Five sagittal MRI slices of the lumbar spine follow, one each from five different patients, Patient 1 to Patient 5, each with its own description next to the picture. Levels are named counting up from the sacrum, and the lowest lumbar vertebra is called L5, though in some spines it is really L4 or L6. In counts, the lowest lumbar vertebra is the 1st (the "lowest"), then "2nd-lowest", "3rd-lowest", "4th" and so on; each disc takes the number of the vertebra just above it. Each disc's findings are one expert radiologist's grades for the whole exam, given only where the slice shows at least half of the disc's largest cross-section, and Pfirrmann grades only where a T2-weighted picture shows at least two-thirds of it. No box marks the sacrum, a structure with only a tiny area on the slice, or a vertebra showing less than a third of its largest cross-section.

Patient 1 of 5:
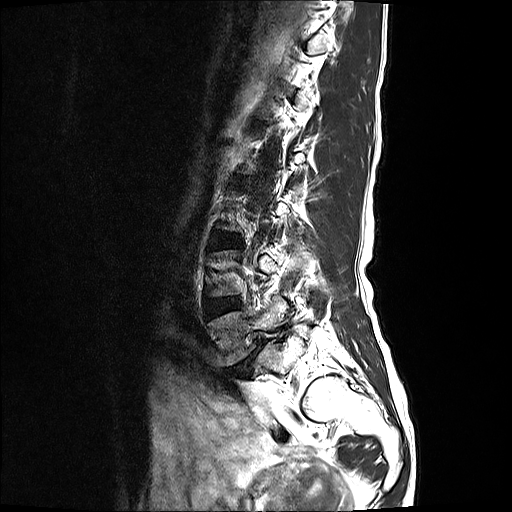 T2-weighted sagittal MRI of the lumbar spine, Field of view 300x300 mm, slice spacing 3.3 mm, Slice 2/17
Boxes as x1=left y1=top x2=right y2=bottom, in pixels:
Structures:
- L2/L3 — x1=235 y1=178 x2=247 y2=183
- intervertebral disc L5/S1 — x1=228 y1=338 x2=263 y2=374
- L5 — x1=208 y1=298 x2=288 y2=365
- intervertebral disc L3/L4 — x1=213 y1=232 x2=240 y2=247
- L4/L5 — x1=206 y1=297 x2=241 y2=317

Degenerative findings by level:
  L4/L5: no herniation, bulging, narrowing, spondylolisthesis, endplate or Modic change recorded

Patient 2 of 5:
Field of view 280x280 mm, slice spacing 3.3 mm; Image 448x448; MRI lumbar spine (T2-weighted), sagittal plane

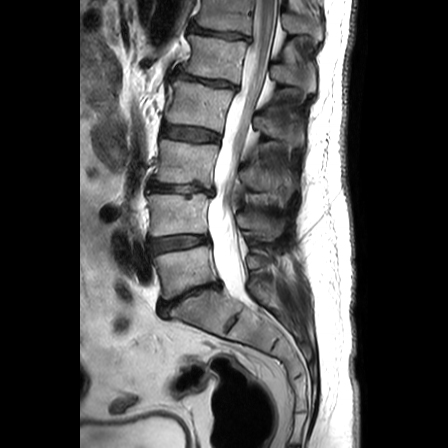

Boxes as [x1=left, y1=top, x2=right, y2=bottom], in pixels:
T12 vertebra: [x1=196, y1=0, x2=322, y2=39]
L5/S1: [x1=159, y1=282, x2=220, y2=317]
disc L2/L3: [x1=162, y1=126, x2=219, y2=141]
L2 vertebra: [x1=166, y1=79, x2=301, y2=147]
L1/L2: [x1=174, y1=69, x2=235, y2=88]
T12/L1: [x1=190, y1=24, x2=249, y2=39]
L3 vertebra: [x1=153, y1=139, x2=286, y2=190]
L5 vertebra: [x1=152, y1=245, x2=265, y2=299]
L4/L5: [x1=148, y1=235, x2=208, y2=253]
spinal canal: [x1=210, y1=0, x2=277, y2=306]
L4: [x1=148, y1=194, x2=283, y2=240]
L1 vertebra: [x1=185, y1=35, x2=314, y2=92]
L3/L4: [x1=149, y1=181, x2=213, y2=195]

Degenerative findings by level:
• L4/L5: Pfirrmann grade 2, disc bulging
• L5/S1: Pfirrmann grade 5, disc bulging, disc narrowing
• L1/L2: Pfirrmann grade 3, disc narrowing, disc bulging
• T12/L1: Pfirrmann grade 3, disc narrowing, disc bulging
• L3/L4: Pfirrmann grade 5, disc herniation, disc narrowing
• L2/L3: Pfirrmann grade 2

Patient 3 of 5:
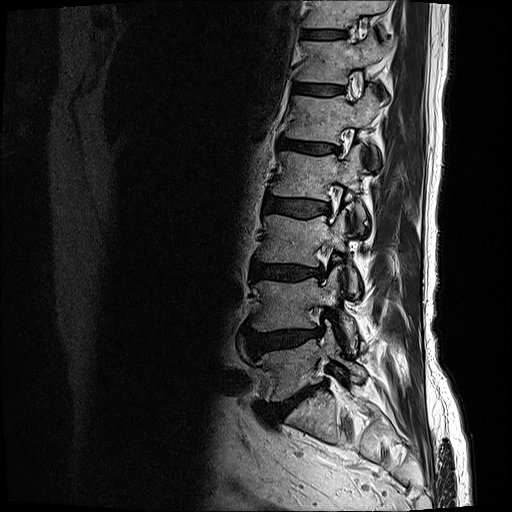 Field of view 300x300 mm, MRI lumbar spine (T2-weighted), sagittal plane

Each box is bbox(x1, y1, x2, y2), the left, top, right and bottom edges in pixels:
L3 (3rd-lowest vertebra) at bbox(256, 210, 359, 298); L5 (lowest vertebra) at bbox(256, 330, 366, 400); T11 (7th vertebra) at bbox(303, 0, 390, 38); L5/S1 (lowest disc) at bbox(276, 383, 327, 416); T12/L1 (6th disc) at bbox(293, 84, 344, 95); L1 (5th vertebra) at bbox(284, 86, 379, 168); T11/T12 (7th disc) at bbox(302, 30, 347, 39); L1/L2 (5th disc) at bbox(279, 139, 339, 153); L4 (2nd-lowest vertebra) at bbox(249, 269, 357, 348); T12 (6th vertebra) at bbox(296, 30, 387, 99); L2 (4th vertebra) at bbox(271, 145, 366, 232); L2/L3 (4th disc) at bbox(264, 194, 331, 217); intervertebral disc L4/L5 (2nd-lowest disc) at bbox(246, 328, 321, 353); intervertebral disc L3/L4 (3rd-lowest disc) at bbox(252, 264, 325, 281).

Per-level radiological findings:
  L1/L2 (5th disc): Pfirrmann grade 4, upper-endplate change, disc bulging, lower-endplate change, disc narrowing, Modic type II
  L3/L4 (3rd-lowest disc): Pfirrmann grade 4, Modic type II, lower-endplate change, disc bulging, disc narrowing
  L2/L3 (4th disc): Pfirrmann grade 3, disc bulging
  T11/T12 (7th disc): Pfirrmann grade 3
  T12/L1 (6th disc): Pfirrmann grade 3
  L4/L5 (2nd-lowest disc): Pfirrmann grade 4, disc bulging, disc herniation

Patient 4 of 5:
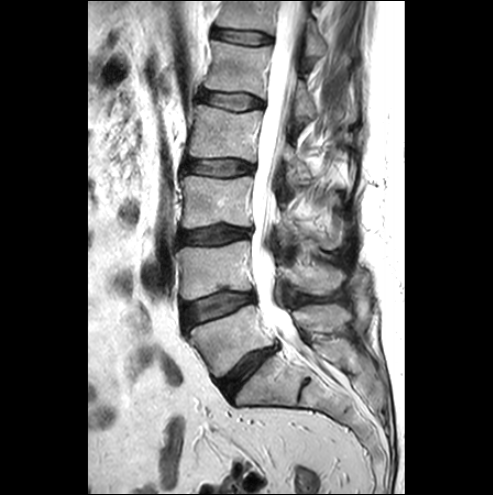 Image 493x495 | MRI lumbar spine (T2-weighted), sagittal plane
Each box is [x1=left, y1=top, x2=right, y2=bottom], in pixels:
Annotations:
* thecal sac / spinal canal at [x1=252, y1=1, x2=305, y2=332]
* 3rd-lowest disc at [x1=179, y1=226, x2=249, y2=244]
* 4th disc at [x1=183, y1=160, x2=252, y2=176]
* 2nd-lowest vertebra at [x1=176, y1=239, x2=344, y2=299]
* 6th vertebra at [x1=217, y1=1, x2=326, y2=59]
* lowest disc at [x1=218, y1=347, x2=275, y2=396]
* 6th disc at [x1=213, y1=28, x2=272, y2=44]
* lowest vertebra at [x1=189, y1=305, x2=351, y2=376]
* 4th vertebra at [x1=188, y1=105, x2=310, y2=185]
* 2nd-lowest disc at [x1=184, y1=292, x2=254, y2=326]
* 3rd-lowest vertebra at [x1=181, y1=176, x2=340, y2=249]
* 5th vertebra at [x1=205, y1=41, x2=353, y2=121]
* 5th disc at [x1=199, y1=90, x2=262, y2=109]

Degenerative findings by level:
  6th disc: Pfirrmann grade 1
  4th disc: Pfirrmann grade 1
  5th disc: Pfirrmann grade 1
  lowest disc: Pfirrmann grade 4, disc bulging, disc narrowing
  3rd-lowest disc: Pfirrmann grade 3, disc bulging
  2nd-lowest disc: Pfirrmann grade 1, Modic type III, disc bulging

Patient 5 of 5:
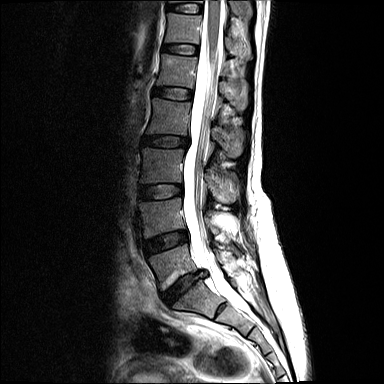 Field of view 260x260 mm, slice spacing 5.2 mm; Patient sex: F; Slice 8 of 14; Sagittal T2-weighted lumbar spine MRI
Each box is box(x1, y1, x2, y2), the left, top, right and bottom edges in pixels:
Segmented structures:
- intervertebral disc L4/L5 (2nd-lowest disc) — box(144, 231, 186, 254)
- L2/L3 (4th disc) — box(143, 136, 188, 146)
- L2 (4th vertebra) — box(147, 98, 244, 157)
- T12 (6th vertebra) — box(165, 13, 252, 59)
- L3/L4 (3rd-lowest disc) — box(140, 184, 182, 199)
- intervertebral disc T12/L1 (6th disc) — box(163, 44, 197, 54)
- L5 (lowest vertebra) — box(149, 244, 235, 290)
- L1 (5th vertebra) — box(157, 54, 248, 110)
- L4 (2nd-lowest vertebra) — box(139, 198, 228, 242)
- intervertebral disc L5/S1 (lowest disc) — box(162, 270, 207, 303)
- intervertebral disc L1/L2 (5th disc) — box(153, 88, 191, 99)
- L3 (3rd-lowest vertebra) — box(141, 148, 241, 203)
- thecal sac / spinal canal — box(182, 0, 246, 311)

Per-level radiological findings:
• T12/L1 (6th disc): Pfirrmann grade 2
• L2/L3 (4th disc): Pfirrmann grade 3, disc bulging
• L5/S1 (lowest disc): Pfirrmann grade 4, disc herniation, disc narrowing, lower-endplate change
• L1/L2 (5th disc): Pfirrmann grade 2
• L4/L5 (2nd-lowest disc): Pfirrmann grade 3
• L3/L4 (3rd-lowest disc): Pfirrmann grade 2